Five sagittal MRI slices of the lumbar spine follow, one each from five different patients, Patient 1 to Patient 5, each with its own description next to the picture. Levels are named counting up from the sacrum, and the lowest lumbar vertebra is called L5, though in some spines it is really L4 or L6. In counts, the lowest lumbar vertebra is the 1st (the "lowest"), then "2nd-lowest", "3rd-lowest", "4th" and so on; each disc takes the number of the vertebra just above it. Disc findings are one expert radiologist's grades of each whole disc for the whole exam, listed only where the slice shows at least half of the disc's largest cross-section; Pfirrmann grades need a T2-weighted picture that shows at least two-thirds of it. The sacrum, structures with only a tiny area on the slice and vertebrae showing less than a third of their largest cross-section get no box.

Patient 1 of 5:
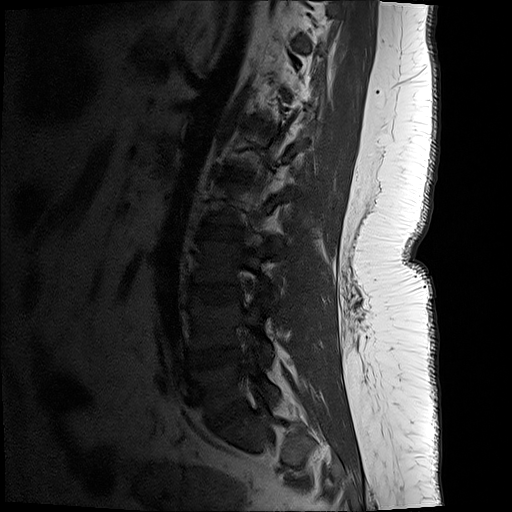
Lumbar spine MR, T1-weighted, sagittal; Image 512x512; Sex F
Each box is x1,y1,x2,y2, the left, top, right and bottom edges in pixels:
L1/L2 at 220,166,253,181; disc L2/L3 at 199,222,246,239; L4/L5 at 190,346,242,369; L5 at 195,354,280,413; L3 at 195,240,279,301; L3/L4 at 189,283,242,302; disc L5/S1 at 208,399,249,427; L2 vertebra at 207,181,295,221; L4 vertebra at 192,300,275,360.

Per-level radiological findings:
  L4/L5: disc narrowing, disc bulging
  L5/S1: disc narrowing, disc bulging
  L3/L4, L2/L3: no spondylolisthesis, narrowing, bulging, herniation, Modic or endplate change recorded

Patient 2 of 5:
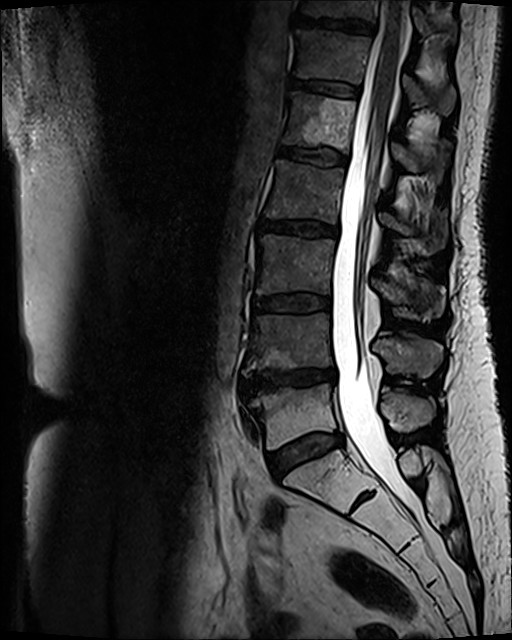 MRI lumbar spine (T2 SPACE (3D)), sagittal plane. Image 512x640.

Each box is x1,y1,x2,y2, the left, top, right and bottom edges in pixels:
4th disc: 258,221,337,235.
7th vertebra: 302,0,455,40.
3rd-lowest vertebra: 256,235,445,316.
Thecal sac / spinal canal: 331,0,410,504.
5th vertebra: 283,92,449,183.
2nd-lowest vertebra: 243,313,442,377.
4th vertebra: 265,160,447,252.
Lowest disc: 268,434,344,477.
3rd-lowest disc: 255,295,330,312.
7th disc: 297,17,375,34.
2nd-lowest disc: 240,369,335,394.
6th disc: 291,79,360,97.
Lowest vertebra: 241,384,436,449.
6th vertebra: 294,31,455,114.
5th disc: 277,147,346,165.

Expert MSK radiologist gradings (per disc):
  5th disc: Pfirrmann grade 3, Modic type II
  lowest disc: Pfirrmann grade 3, disc bulging, Modic type II
  7th disc: Pfirrmann grade 4, Modic type II, lower-endplate change, upper-endplate change
  3rd-lowest disc: Pfirrmann grade 3, disc bulging, Modic type II
  6th disc: Pfirrmann grade 3, Modic type II
  2nd-lowest disc: Pfirrmann grade 4, upper-endplate change, Modic type II, disc narrowing, lower-endplate change, disc bulging
  4th disc: Pfirrmann grade 3, Modic type II, disc bulging

Patient 3 of 5:
Patient sex: F; Sagittal slice index 38; Lumbar spine MR, T2 SPACE (3D), sagittal
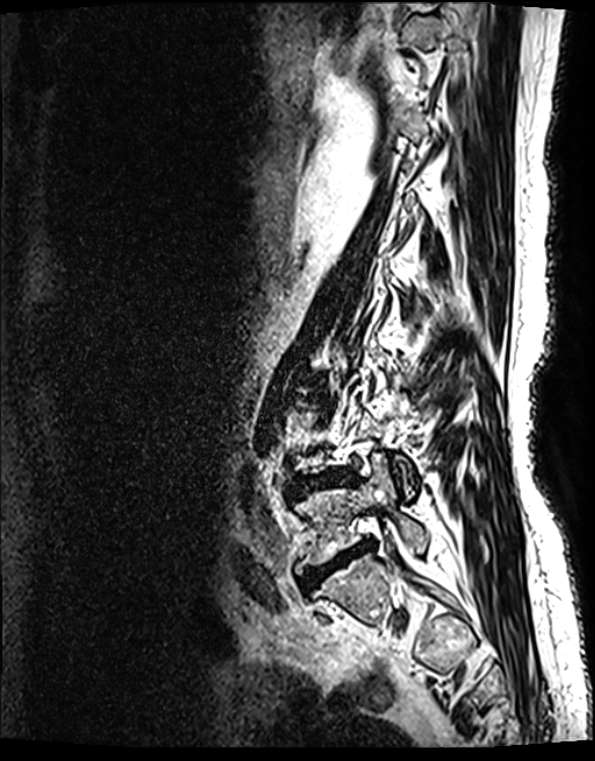
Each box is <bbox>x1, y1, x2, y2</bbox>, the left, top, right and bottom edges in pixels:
Structures:
- lowest vertebra at <bbox>294, 454, 427, 564</bbox>
- lowest disc at <bbox>303, 541, 371, 587</bbox>
- 2nd-lowest disc at <bbox>301, 473, 347, 490</bbox>

Expert MSK radiologist gradings (per disc):
- lowest disc: upper-endplate change, lower-endplate change, disc bulging, Modic type II, disc narrowing

Patient 4 of 5:
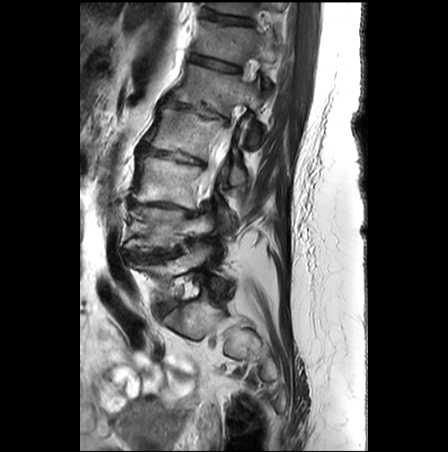 Sex F | Image 448x452 | Lumbar spine MR, T2-weighted, sagittal

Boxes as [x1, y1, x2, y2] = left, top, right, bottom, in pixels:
Annotations:
• T12 vertebra: [194, 19, 278, 63]
• L5/S1: [159, 301, 176, 314]
• T11: [211, 2, 285, 15]
• L3: [133, 157, 229, 224]
• IVD L2/L3: [139, 145, 199, 162]
• L3/L4: [136, 204, 188, 213]
• spinal canal: [202, 124, 233, 190]
• L2 vertebra: [146, 106, 244, 185]
• T11/T12: [203, 10, 249, 23]
• L1/L2: [165, 97, 216, 117]
• L4 vertebra: [127, 207, 213, 252]
• IVD T12/L1: [190, 55, 240, 72]
• IVD L4/L5: [129, 250, 178, 262]
• L1: [173, 64, 261, 142]
• L5: [136, 246, 226, 302]

Per-level radiological findings:
  L1/L2: Pfirrmann grade 5, lower-endplate change, spondylolisthesis, disc narrowing, Modic type II, disc bulging, upper-endplate change
  L2/L3: Pfirrmann grade 5, disc bulging, upper-endplate change, lower-endplate change, Modic type II, disc narrowing
  T11/T12: lower-endplate change, upper-endplate change
  L4/L5: Pfirrmann grade 5, upper-endplate change, disc bulging, lower-endplate change, disc narrowing, Modic type II
  T12/L1: Pfirrmann grade 3, lower-endplate change, upper-endplate change, Modic type II

Patient 5 of 5:
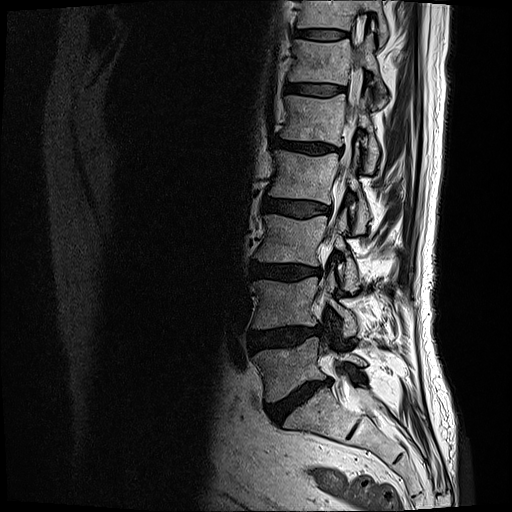 T2-weighted sagittal MRI of the lumbar spine | 512x512 px | Field of view 300x300 mm, slice spacing 3.3 mm
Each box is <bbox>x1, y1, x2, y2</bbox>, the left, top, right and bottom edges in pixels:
4th vertebra: <bbox>270, 147, 371, 233</bbox>.
7th vertebra: <bbox>297, 0, 388, 46</bbox>.
3rd-lowest disc: <bbox>251, 262, 320, 281</bbox>.
7th disc: <bbox>295, 30, 346, 40</bbox>.
5th vertebra: <bbox>281, 92, 379, 172</bbox>.
2nd-lowest vertebra: <bbox>253, 272, 357, 338</bbox>.
5th disc: <bbox>276, 139, 334, 153</bbox>.
6th vertebra: <bbox>289, 34, 388, 107</bbox>.
3rd-lowest vertebra: <bbox>255, 210, 361, 292</bbox>.
6th disc: <bbox>287, 84, 345, 96</bbox>.
Lowest disc: <bbox>266, 380, 330, 424</bbox>.
2nd-lowest disc: <bbox>251, 326, 316, 351</bbox>.
4th disc: <bbox>263, 197, 330, 218</bbox>.
Lowest vertebra: <bbox>253, 337, 365, 401</bbox>.
Spinal canal: <bbox>319, 62, 361, 393</bbox>.

Degenerative findings by level:
- 6th disc: Pfirrmann grade 3
- 2nd-lowest disc: Pfirrmann grade 4, disc herniation, disc bulging
- 3rd-lowest disc: Pfirrmann grade 4, disc bulging, Modic type II, lower-endplate change, disc narrowing
- lowest disc: Pfirrmann grade 5, Modic type II, disc narrowing, lower-endplate change, disc bulging
- 5th disc: Pfirrmann grade 4, disc bulging, lower-endplate change, disc narrowing, upper-endplate change, Modic type II
- 4th disc: Pfirrmann grade 3, disc bulging
- 7th disc: Pfirrmann grade 3